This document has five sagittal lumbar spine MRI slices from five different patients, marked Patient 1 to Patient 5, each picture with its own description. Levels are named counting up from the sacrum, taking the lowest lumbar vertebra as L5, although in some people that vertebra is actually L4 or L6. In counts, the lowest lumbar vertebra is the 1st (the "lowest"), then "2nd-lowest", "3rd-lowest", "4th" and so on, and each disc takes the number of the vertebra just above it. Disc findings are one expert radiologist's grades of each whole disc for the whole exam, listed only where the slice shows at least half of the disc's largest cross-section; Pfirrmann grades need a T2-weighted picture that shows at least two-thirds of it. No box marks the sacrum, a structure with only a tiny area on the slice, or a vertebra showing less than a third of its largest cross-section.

Patient 1 of 5:
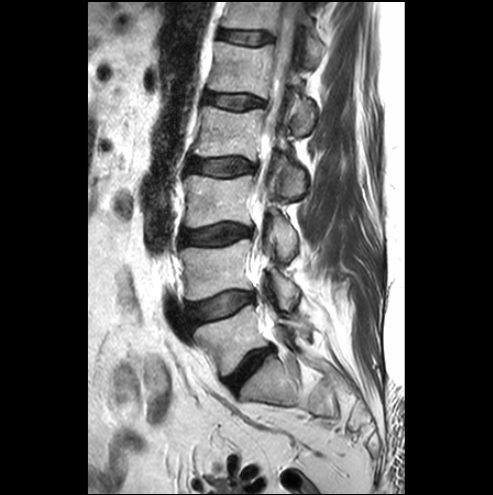 Slice 17/25, Sagittal T2-weighted lumbar spine MRI

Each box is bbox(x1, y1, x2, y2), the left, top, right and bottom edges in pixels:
disc T12/L1: bbox(219, 29, 273, 44)
L3 vertebra: bbox(185, 175, 297, 259)
L1/L2: bbox(205, 92, 264, 109)
spinal canal: bbox(258, 3, 297, 198)
L5/S1: bbox(224, 347, 272, 390)
L2 vertebra: bbox(194, 105, 307, 199)
L4 vertebra: bbox(180, 238, 298, 310)
disc L3/L4: bbox(181, 225, 251, 245)
T12: bbox(222, 2, 323, 66)
L1: bbox(209, 41, 315, 134)
disc L2/L3: bbox(187, 159, 255, 176)
L4/L5: bbox(189, 292, 254, 327)
L5 vertebra: bbox(195, 305, 310, 375)

Per-level radiological findings:
• L5/S1: Pfirrmann grade 4, disc narrowing, disc bulging
• L4/L5: Pfirrmann grade 1, disc bulging, Modic type III
• L1/L2: Pfirrmann grade 1
• L2/L3: Pfirrmann grade 1
• T12/L1: Pfirrmann grade 1
• L3/L4: Pfirrmann grade 3, disc bulging

Patient 2 of 5:
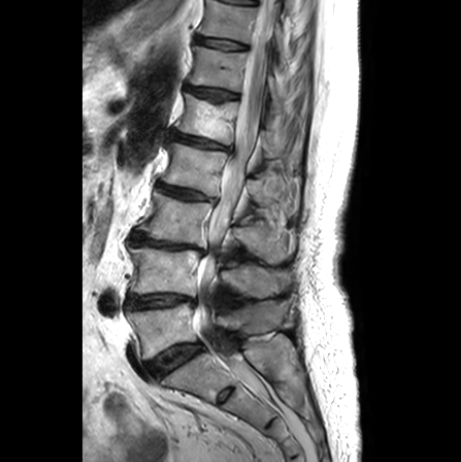 Slice 13/24. T2-weighted sagittal MRI of the lumbar spine.

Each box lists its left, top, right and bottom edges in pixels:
7th disc at left=195, top=35, right=246, bottom=50; 3rd-lowest disc at left=129, top=231, right=203, bottom=253; 2nd-lowest vertebra at left=129, top=246, right=290, bottom=297; 5th disc at left=168, top=131, right=230, bottom=150; spinal canal at left=193, top=0, right=278, bottom=394; 4th disc at left=157, top=182, right=215, bottom=201; 3rd-lowest vertebra at left=135, top=190, right=286, bottom=263; 6th disc at left=186, top=85, right=237, bottom=100; lowest disc at left=146, top=342, right=203, bottom=378; 7th vertebra at left=198, top=0, right=285, bottom=63; 5th vertebra at left=175, top=93, right=279, bottom=157; lowest vertebra at left=126, top=301, right=286, bottom=359; 6th vertebra at left=189, top=44, right=282, bottom=111; 4th vertebra at left=161, top=142, right=283, bottom=206; 2nd-lowest disc at left=127, top=293, right=194, bottom=308.

Per-level radiological findings:
- 3rd-lowest disc: Pfirrmann grade 5, upper-endplate change, Modic type II, disc narrowing, lower-endplate change
- 4th disc: Pfirrmann grade 3, disc narrowing, upper-endplate change, lower-endplate change
- 5th disc: Pfirrmann grade 3, upper-endplate change, lower-endplate change, disc bulging, disc narrowing
- 6th disc: Pfirrmann grade 2, upper-endplate change
- 7th disc: Pfirrmann grade 1
- lowest disc: Pfirrmann grade 3, Modic type II
- 2nd-lowest disc: Pfirrmann grade 2, disc narrowing, Modic type II

Patient 3 of 5:
Sagittal slice index 48 | 512x640 px | MRI lumbar spine (T2 SPACE (3D)), sagittal plane | Scanner: SIEMENS Avanto_fit (1.5T) 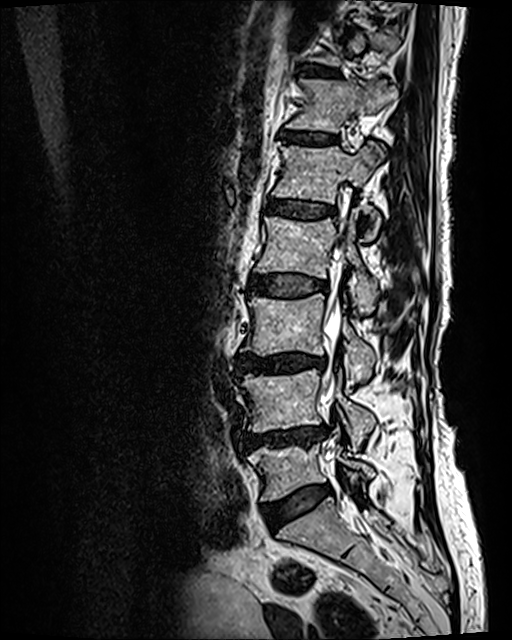 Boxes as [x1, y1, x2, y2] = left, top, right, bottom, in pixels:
T12/L1 (6th disc) at [284, 131, 335, 144].
L5 (lowest vertebra) at [248, 437, 375, 500].
T12 (6th vertebra) at [287, 78, 397, 132].
T11/T12 (7th disc) at [302, 67, 336, 76].
L3/L4 (3rd-lowest disc) at [236, 353, 327, 373].
L1/L2 (5th disc) at [266, 200, 334, 218].
L2 (4th vertebra) at [255, 211, 378, 314].
L5/S1 (lowest disc) at [262, 486, 329, 527].
L1 (5th vertebra) at [272, 144, 384, 239].
L3 (3rd-lowest vertebra) at [242, 294, 377, 381].
L2/L3 (4th disc) at [253, 274, 327, 296].
L4 (2nd-lowest vertebra) at [237, 369, 375, 450].
Spinal canal at [322, 246, 344, 400].
L4/L5 (2nd-lowest disc) at [240, 424, 329, 451].

Per-level radiological findings:
- T12/L1 (6th disc): Pfirrmann grade 2, upper-endplate change, lower-endplate change, Modic type II
- L1/L2 (5th disc): Pfirrmann grade 3, upper-endplate change, lower-endplate change, Modic type II
- L4/L5 (2nd-lowest disc): Pfirrmann grade 4, lower-endplate change, disc bulging, upper-endplate change, disc narrowing, Modic type II
- L3/L4 (3rd-lowest disc): Pfirrmann grade 4, Modic type II, disc narrowing, lower-endplate change, upper-endplate change, disc bulging
- L5/S1 (lowest disc): Pfirrmann grade 2, disc bulging
- L2/L3 (4th disc): Pfirrmann grade 3, lower-endplate change, Modic type II, upper-endplate change, disc bulging

Patient 4 of 5:
Sex M. Slice 8/26. Philips Healthcare Ingenia (3T). Sagittal T2-weighted lumbar spine MRI. 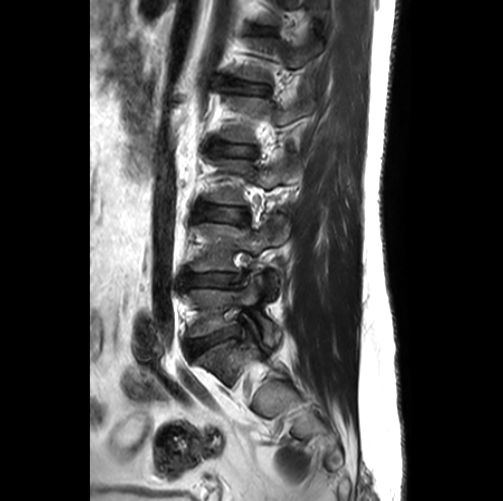

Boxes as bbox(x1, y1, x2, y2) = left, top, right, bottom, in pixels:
{"lowest disc": "bbox(187, 327, 237, 357)", "3rd-lowest disc": "bbox(197, 204, 247, 223)", "2nd-lowest disc": "bbox(183, 269, 240, 292)", "2nd-lowest vertebra": "bbox(192, 215, 289, 298)", "4th vertebra": "bbox(224, 94, 314, 141)", "lowest vertebra": "bbox(187, 276, 279, 345)", "3rd-lowest vertebra": "bbox(208, 155, 301, 203)", "5th disc": "bbox(233, 82, 268, 95)", "4th disc": "bbox(213, 144, 255, 157)", "6th disc": "bbox(256, 28, 273, 33)"}

Degenerative findings by level:
- 2nd-lowest disc: Modic type II, disc narrowing, disc bulging, upper-endplate change, lower-endplate change
- 3rd-lowest disc: Pfirrmann grade 2
- 4th disc, 5th disc: no Modic or endplate change, herniation, narrowing, bulging or spondylolisthesis recorded

Patient 5 of 5:
Slice 12 of 19, Lumbar spine MR, T2-weighted, sagittal
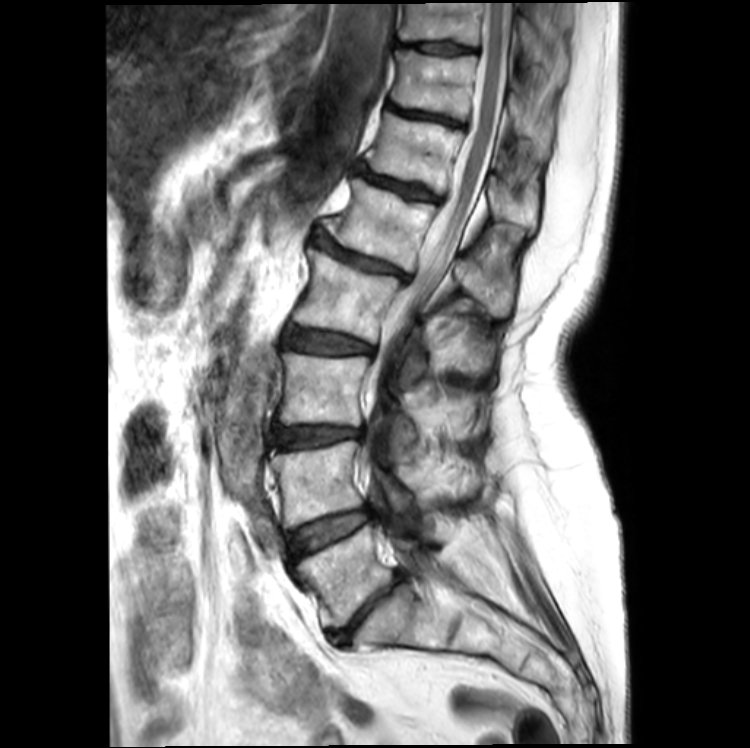
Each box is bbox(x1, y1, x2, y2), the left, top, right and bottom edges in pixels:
{"lowest disc": "bbox(329, 575, 402, 644)", "2nd-lowest disc": "bbox(291, 508, 375, 555)", "4th disc": "bbox(285, 325, 375, 353)", "6th disc": "bbox(360, 166, 439, 201)", "spinal canal": "bbox(367, 3, 516, 537)", "6th vertebra": "bbox(365, 112, 540, 228)", "lowest vertebra": "bbox(295, 524, 418, 627)", "5th vertebra": "bbox(327, 178, 512, 318)", "8th vertebra": "bbox(399, 3, 570, 77)", "5th disc": "bbox(317, 237, 411, 281)", "3rd-lowest disc": "bbox(275, 426, 363, 448)", "2nd-lowest vertebra": "bbox(272, 440, 470, 529)", "4th vertebra": "bbox(294, 248, 426, 374)", "7th vertebra": "bbox(392, 51, 541, 135)", "7th disc": "bbox(387, 104, 464, 125)", "3rd-lowest vertebra": "bbox(279, 351, 417, 444)", "8th disc": "bbox(403, 42, 478, 54)"}

Radiological gradings:
  lowest disc: Pfirrmann grade 5, lower-endplate change, disc narrowing, upper-endplate change, disc bulging
  5th disc: Pfirrmann grade 4, disc narrowing, lower-endplate change, Modic type II, upper-endplate change, disc bulging, spondylolisthesis
  8th disc: Pfirrmann grade 2, lower-endplate change
  2nd-lowest disc: Pfirrmann grade 3, disc bulging, Modic type II
  7th disc: Pfirrmann grade 4, Modic type II, disc narrowing, lower-endplate change, upper-endplate change
  4th disc: Pfirrmann grade 3, Modic type II, disc bulging
  6th disc: Pfirrmann grade 4, lower-endplate change, Modic type II, disc narrowing, upper-endplate change
  3rd-lowest disc: Pfirrmann grade 3, disc bulging, disc narrowing, Modic type II